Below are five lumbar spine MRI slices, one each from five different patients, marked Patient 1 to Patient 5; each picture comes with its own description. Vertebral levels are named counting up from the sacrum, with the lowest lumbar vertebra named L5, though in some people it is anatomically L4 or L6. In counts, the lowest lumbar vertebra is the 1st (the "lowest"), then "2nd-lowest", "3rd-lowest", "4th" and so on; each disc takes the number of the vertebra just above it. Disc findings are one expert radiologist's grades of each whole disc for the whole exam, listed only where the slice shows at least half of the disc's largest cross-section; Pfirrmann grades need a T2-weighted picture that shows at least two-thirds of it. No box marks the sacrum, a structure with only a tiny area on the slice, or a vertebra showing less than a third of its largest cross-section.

Patient 1 of 5:
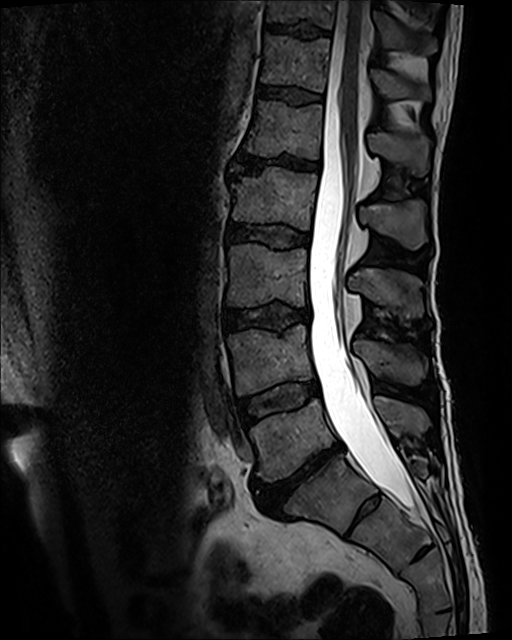 Sagittal slice index 61. Slice spacing 0.9 mm. MRI lumbar spine (T2 SPACE (3D)), sagittal plane. Sex M.
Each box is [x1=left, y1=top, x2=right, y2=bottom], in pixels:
• 4th vertebra: [x1=231, y1=167, x2=426, y2=249]
• lowest vertebra: [x1=250, y1=396, x2=429, y2=481]
• lowest disc: [x1=255, y1=443, x2=343, y2=510]
• 6th vertebra: [x1=260, y1=35, x2=429, y2=99]
• 7th disc: [x1=266, y1=23, x2=328, y2=38]
• 6th disc: [x1=257, y1=83, x2=321, y2=104]
• 3rd-lowest disc: [x1=224, y1=306, x2=310, y2=330]
• 3rd-lowest vertebra: [x1=227, y1=244, x2=421, y2=318]
• 2nd-lowest disc: [x1=240, y1=381, x2=318, y2=424]
• 5th vertebra: [x1=244, y1=100, x2=428, y2=174]
• 2nd-lowest vertebra: [x1=228, y1=325, x2=425, y2=395]
• 5th disc: [x1=230, y1=153, x2=319, y2=177]
• spinal canal: [x1=309, y1=0, x2=414, y2=508]
• 4th disc: [x1=228, y1=223, x2=310, y2=248]
• 7th vertebra: [x1=267, y1=0, x2=436, y2=53]

Per-level radiological findings:
- 4th disc: Pfirrmann grade 3
- lowest disc: Pfirrmann grade 5, upper-endplate change, disc narrowing, Modic type II, lower-endplate change, disc bulging
- 5th disc: Pfirrmann grade 5, disc narrowing, disc bulging, Modic type II, lower-endplate change, upper-endplate change
- 6th disc: Pfirrmann grade 3
- 7th disc: Pfirrmann grade 3, lower-endplate change, upper-endplate change
- 3rd-lowest disc: Pfirrmann grade 3, disc bulging, lower-endplate change, upper-endplate change
- 2nd-lowest disc: Pfirrmann grade 3, Modic type II

Patient 2 of 5:
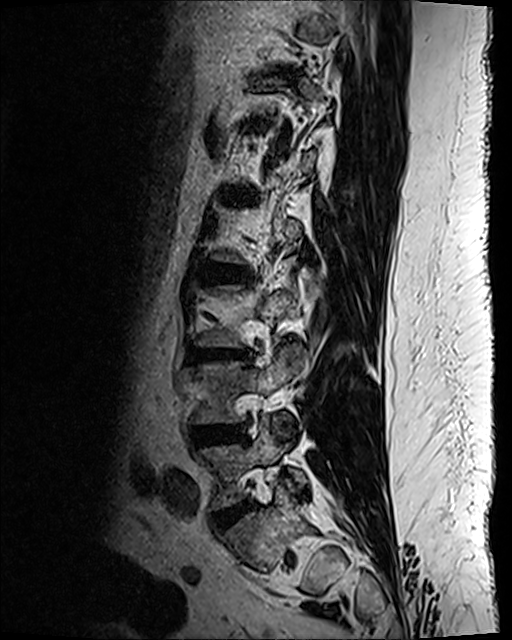 Slice 31 of 120, MRI lumbar spine (T2 SPACE (3D)), sagittal plane, Field of view 240x300 mm, slice spacing 0.9 mm, Sex M, 512x640 px
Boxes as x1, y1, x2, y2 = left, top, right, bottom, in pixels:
Structures:
- intervertebral disc L5/S1 at 214, 504, 251, 527
- L4 vertebra at 195, 350, 306, 424
- L4/L5 at 194, 426, 240, 444
- L5 vertebra at 202, 417, 306, 507
- L3/L4 at 191, 352, 247, 363
- intervertebral disc L2/L3 at 220, 271, 247, 280

Patient 3 of 5:
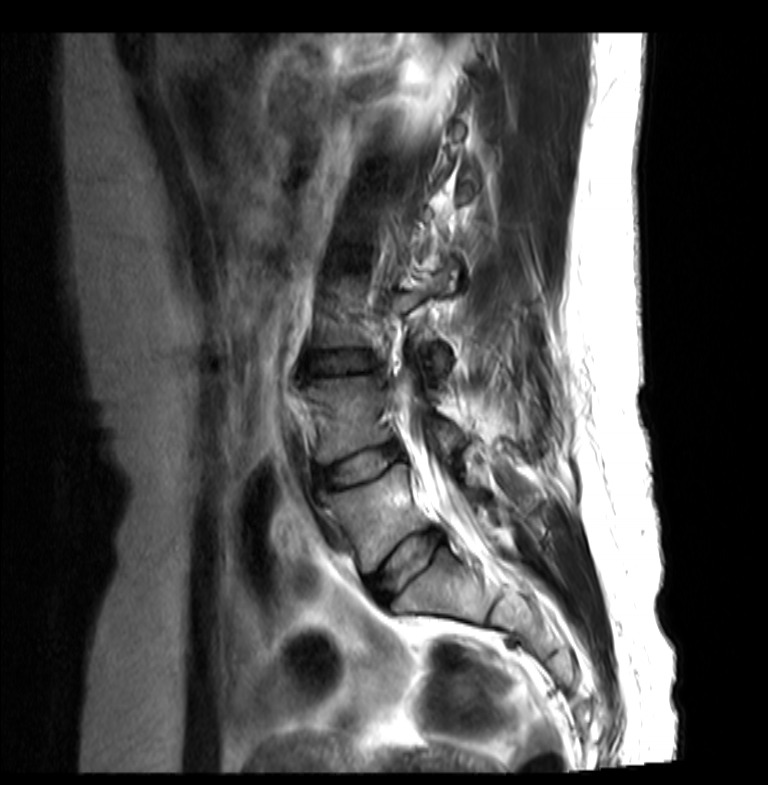 Field of view 280x286 mm, slice spacing 4.3 mm. Sagittal slice index 15. MRI lumbar spine (T2-weighted), sagittal plane.
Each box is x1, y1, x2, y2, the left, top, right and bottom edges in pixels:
Annotations:
* IVD L4/L5: 318, 444, 402, 489
* L5/S1: 367, 530, 444, 603
* spinal canal: 418, 455, 478, 544
* L4: 308, 371, 464, 464
* L5: 321, 465, 475, 572
* L3/L4: 304, 351, 373, 375

Degenerative findings by level:
  L4/L5: Pfirrmann grade 3, disc herniation
  L3/L4: Pfirrmann grade 2, disc bulging
  L5/S1: Pfirrmann grade 3, disc bulging

Patient 4 of 5:
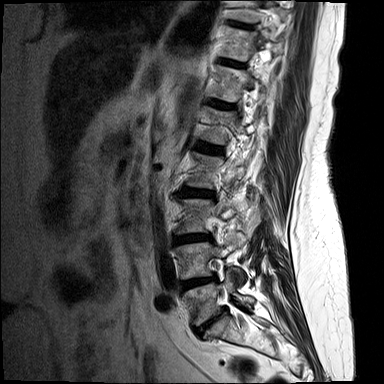
T2-weighted sagittal MRI of the lumbar spine
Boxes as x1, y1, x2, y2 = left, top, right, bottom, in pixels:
intervertebral disc T12/L1 — 210, 100, 231, 108 | L5/S1 — 195, 308, 227, 335 | T12 vertebra — 212, 66, 264, 101 | intervertebral disc L2/L3 — 180, 187, 213, 196 | T11/T12 — 223, 59, 241, 66 | L3/L4 — 173, 234, 208, 243 | L3 — 176, 199, 249, 233 | intervertebral disc L1/L2 — 196, 142, 222, 153 | T11 — 223, 27, 283, 59 | L2 vertebra — 187, 154, 245, 188 | L5 — 182, 271, 253, 325 | intervertebral disc T10/T11 — 229, 21, 247, 27 | intervertebral disc L4/L5 — 181, 278, 213, 288 | L4 vertebra — 175, 233, 245, 285

Per-level radiological findings:
• L4/L5: disc bulging, disc narrowing
• L3/L4: disc bulging, disc narrowing
• L5/S1: Pfirrmann grade 5, disc narrowing, Modic type II, disc bulging
• L2/L3: Pfirrmann grade 3, disc bulging, Modic type II
• L1/L2: Pfirrmann grade 3, Modic type II
• T12/L1: no herniation, bulging, narrowing, spondylolisthesis, endplate or Modic change recorded

Patient 5 of 5:
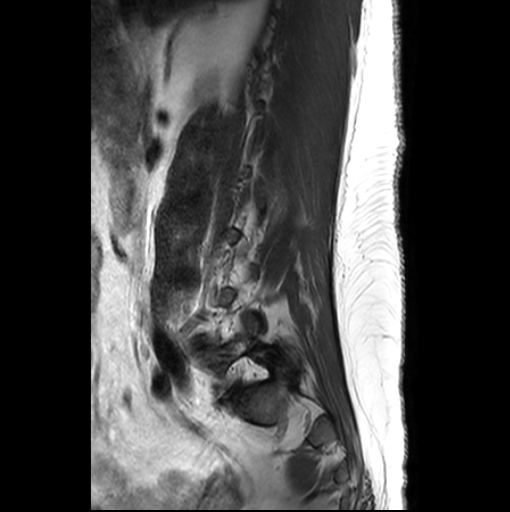 510x512 px, Sagittal T2-weighted lumbar spine MRI

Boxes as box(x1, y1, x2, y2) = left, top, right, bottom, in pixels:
* L5 vertebra: box(197, 313, 277, 398)
* L5/S1: box(222, 385, 246, 401)